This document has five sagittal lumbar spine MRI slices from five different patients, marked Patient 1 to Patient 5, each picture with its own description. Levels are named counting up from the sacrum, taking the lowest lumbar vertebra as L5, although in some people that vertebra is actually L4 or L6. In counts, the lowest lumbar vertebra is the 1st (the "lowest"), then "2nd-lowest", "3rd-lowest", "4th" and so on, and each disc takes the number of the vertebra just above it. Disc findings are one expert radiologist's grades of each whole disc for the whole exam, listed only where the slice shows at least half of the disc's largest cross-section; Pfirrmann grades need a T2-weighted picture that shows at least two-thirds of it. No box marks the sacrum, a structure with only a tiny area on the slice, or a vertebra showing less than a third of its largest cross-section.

Patient 1 of 5:
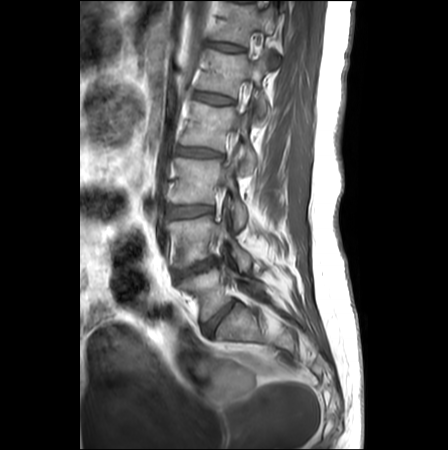
MRI lumbar spine (T1-weighted), sagittal plane | Slice 10/26 | Image 448x450 | Field of view 280x281 mm, slice spacing 3.3 mm
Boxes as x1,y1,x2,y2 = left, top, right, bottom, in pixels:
Lowest disc at 203,301,236,334.
Lowest vertebra at 178,264,264,320.
2nd-lowest disc at 175,259,216,277.
4th vertebra at 180,101,256,172.
Spinal canal at 220,48,258,182.
5th vertebra at 197,50,269,116.
3rd-lowest vertebra at 171,157,248,230.
4th disc at 175,147,220,156.
6th disc at 208,41,243,51.
6th vertebra at 213,3,281,68.
2nd-lowest vertebra at 163,214,251,268.
5th disc at 193,92,232,104.
3rd-lowest disc at 167,205,212,218.

Per-level radiological findings:
• 4th disc: disc bulging
• 3rd-lowest disc: disc bulging
• 5th disc, 6th disc, lowest disc: no herniation, bulging, narrowing, spondylolisthesis, endplate or Modic change recorded

Patient 2 of 5:
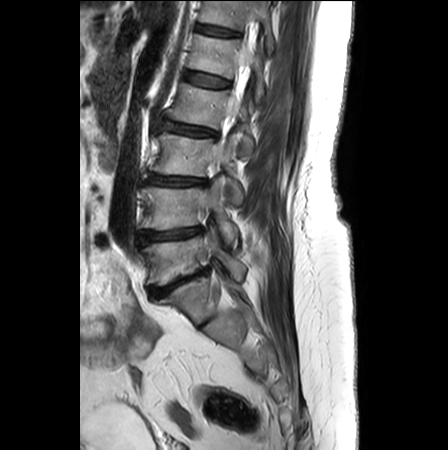
448x450 px, Patient sex: F, Sagittal T2-weighted lumbar spine MRI
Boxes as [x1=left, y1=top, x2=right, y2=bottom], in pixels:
Structures:
* L5 = [x1=142, y1=227, x2=246, y2=284]
* L3 = [x1=150, y1=133, x2=242, y2=206]
* L1 vertebra = [x1=189, y1=34, x2=263, y2=104]
* L4/L5 = [x1=140, y1=227, x2=202, y2=242]
* L4 = [x1=142, y1=176, x2=237, y2=248]
* L5/S1 = [x1=150, y1=269, x2=206, y2=296]
* T12 = [x1=199, y1=1, x2=274, y2=55]
* L1/L2 = [x1=184, y1=71, x2=229, y2=87]
* disc T12/L1 = [x1=196, y1=24, x2=238, y2=36]
* L2 = [x1=169, y1=83, x2=254, y2=154]
* thecal sac / spinal canal = [x1=228, y1=45, x2=254, y2=118]
* disc L3/L4 = [x1=148, y1=174, x2=206, y2=186]
* disc L2/L3 = [x1=159, y1=120, x2=218, y2=138]

Degenerative findings by level:
  L5/S1: Pfirrmann grade 5, Modic type II, upper-endplate change, disc bulging, lower-endplate change, disc narrowing
  L1/L2: Pfirrmann grade 1
  T12/L1: Pfirrmann grade 2, lower-endplate change
  L3/L4: Pfirrmann grade 3, Modic type II, disc narrowing, disc bulging, upper-endplate change, lower-endplate change
  L4/L5: Pfirrmann grade 3, disc bulging, disc narrowing, Modic type II, upper-endplate change, lower-endplate change
  L2/L3: Pfirrmann grade 2, lower-endplate change, Modic type II, disc bulging, upper-endplate change, disc narrowing

Patient 3 of 5:
Image 538x539 | T2-weighted sagittal MRI of the lumbar spine
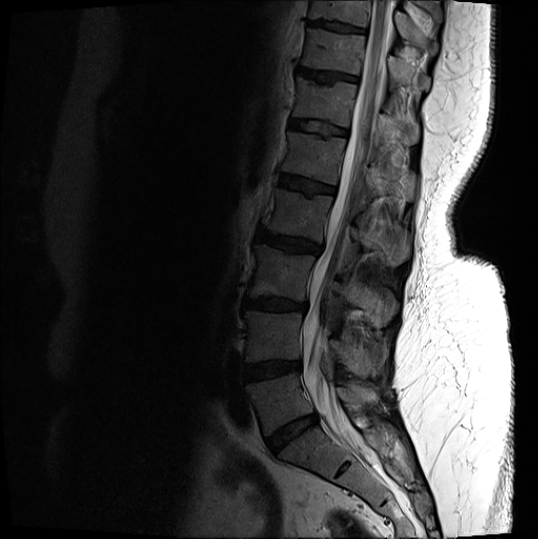

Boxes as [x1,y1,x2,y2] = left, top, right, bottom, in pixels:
L2 vertebra — [265,189,409,266].
L5 vertebra — [246,373,379,435].
Thecal sac / spinal canal — [303,1,393,457].
Intervertebral disc L5/S1 — [266,414,318,451].
T10/T11 — [307,21,364,32].
T11/T12 — [298,68,358,82].
Intervertebral disc L4/L5 — [244,361,301,380].
L1 — [282,132,414,204].
L3 vertebra — [248,244,393,326].
T12 — [293,77,419,145].
Intervertebral disc L3/L4 — [244,298,306,311].
T11 vertebra — [302,29,430,90].
Intervertebral disc L1/L2 — [280,175,335,194].
T12/L1 — [289,120,346,136].
Intervertebral disc L2/L3 — [257,230,321,254].
L4 vertebra — [244,311,386,377].
T10 vertebra — [309,1,438,53].

Radiological gradings:
  L5/S1: Pfirrmann grade 4, disc bulging, disc narrowing
  T10/T11: Pfirrmann grade 4, upper-endplate change, lower-endplate change
  T11/T12: Pfirrmann grade 4, upper-endplate change
  L1/L2: Pfirrmann grade 4, upper-endplate change, Modic type II, lower-endplate change
  L2/L3: Pfirrmann grade 4, disc bulging, upper-endplate change, lower-endplate change
  L3/L4: Pfirrmann grade 4, Modic type II, upper-endplate change, disc narrowing, disc bulging, lower-endplate change
  T12/L1: Pfirrmann grade 3, lower-endplate change, upper-endplate change
  L4/L5: Pfirrmann grade 4, lower-endplate change, Modic type II, disc bulging

Patient 4 of 5:
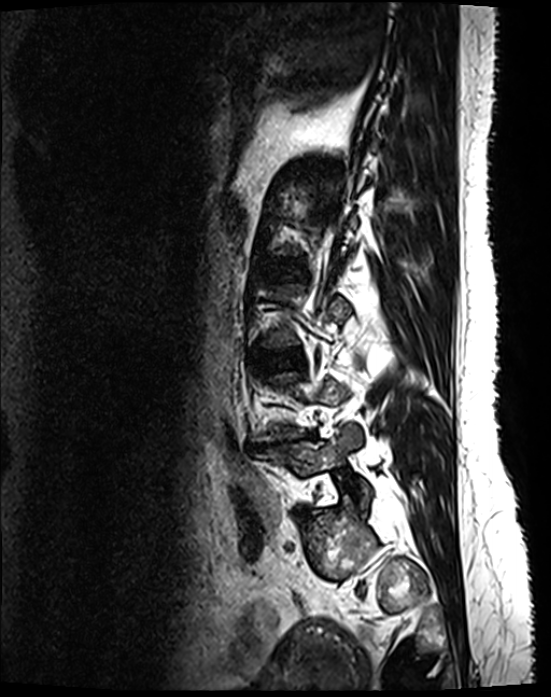
Sagittal T2 SPACE (3D) lumbar spine MRI. Patient sex: F.
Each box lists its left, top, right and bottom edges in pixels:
Annotations:
* disc L3/L4: left=266, top=350, right=301, bottom=366
* L5: left=254, top=425, right=369, bottom=507
* disc L4/L5: left=247, top=433, right=315, bottom=450

Patient 5 of 5:
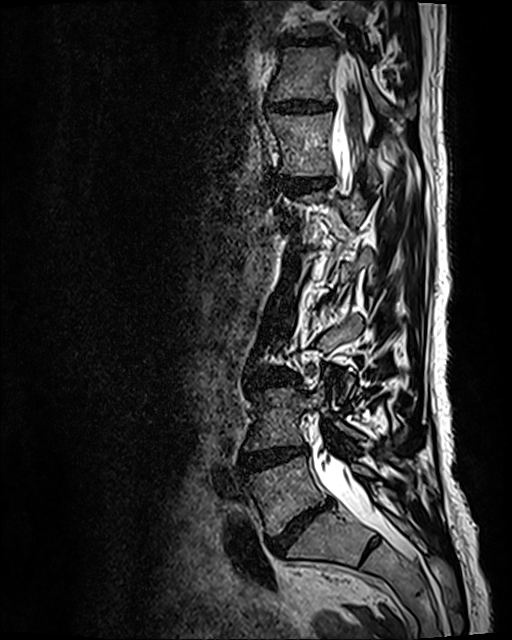 Slice 77/120; Lumbar spine MR, T2 SPACE (3D), sagittal; Image 512x640
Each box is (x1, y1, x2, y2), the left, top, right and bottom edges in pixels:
T12 at (268, 112, 382, 184).
T11 vertebra at (270, 45, 415, 115).
Disc L5/S1 at (270, 502, 329, 554).
T12/L1 at (278, 177, 330, 193).
L5 at (246, 456, 413, 536).
L4/L5 at (239, 448, 307, 473).
L4 vertebra at (245, 379, 408, 451).
T10/T11 at (282, 37, 332, 45).
L3/L4 at (248, 370, 297, 387).
Disc T11/T12 at (266, 100, 333, 112).
Thecal sac / spinal canal at (312, 53, 411, 558).

Degenerative findings by level:
- L5/S1: Pfirrmann grade 5, lower-endplate change, disc narrowing, disc bulging, Modic type II, upper-endplate change
- L4/L5: Pfirrmann grade 4, disc bulging, Modic type II, disc narrowing
- T11/T12: disc narrowing, disc bulging
- T12/L1: no herniation, bulging, narrowing, spondylolisthesis, endplate or Modic change recorded